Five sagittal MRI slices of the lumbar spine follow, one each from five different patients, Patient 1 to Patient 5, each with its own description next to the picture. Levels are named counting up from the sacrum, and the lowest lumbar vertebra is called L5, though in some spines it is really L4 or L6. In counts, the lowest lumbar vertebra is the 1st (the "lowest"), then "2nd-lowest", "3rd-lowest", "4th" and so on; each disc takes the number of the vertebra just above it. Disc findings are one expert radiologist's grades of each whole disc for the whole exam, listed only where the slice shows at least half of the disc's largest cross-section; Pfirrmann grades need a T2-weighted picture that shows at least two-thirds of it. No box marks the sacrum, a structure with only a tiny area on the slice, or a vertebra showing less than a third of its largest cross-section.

Patient 1 of 5:
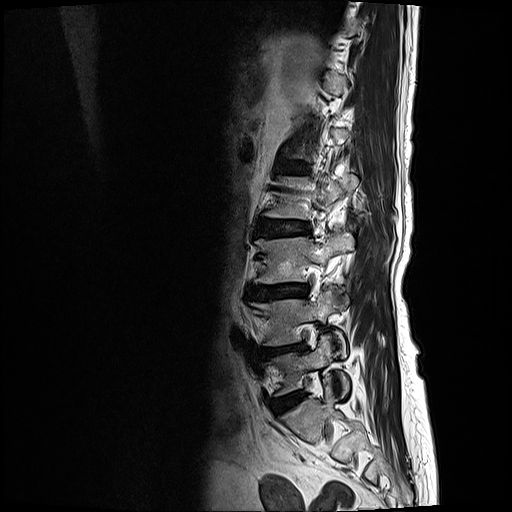

Sagittal T2-weighted lumbar spine MRI
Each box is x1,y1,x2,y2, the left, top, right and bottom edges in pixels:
{"2nd-lowest vertebra": "247,285,346,357", "4th disc": "259,218,309,234", "5th disc": "280,160,309,173", "3rd-lowest vertebra": "255,230,354,282", "lowest disc": "273,391,305,415", "2nd-lowest disc": "258,343,307,358", "4th vertebra": "263,175,358,219", "3rd-lowest disc": "247,283,308,299", "lowest vertebra": "264,334,350,396"}

Radiological gradings:
- 3rd-lowest disc: Pfirrmann grade 4, upper-endplate change, lower-endplate change, disc bulging, Modic type II, disc narrowing
- 4th disc: Pfirrmann grade 3, upper-endplate change, disc bulging, Modic type II, lower-endplate change

Patient 2 of 5:
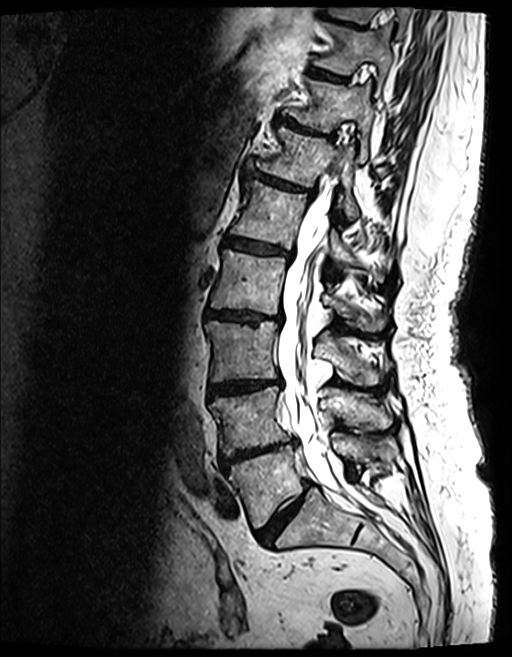 512x657 px, T2 SPACE (3D) sagittal MRI of the lumbar spine, Slice 78/154
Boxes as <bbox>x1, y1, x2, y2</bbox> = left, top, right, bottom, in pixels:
Annotations:
- T10 vertebra = <bbox>316, 25, 394, 76</bbox>
- L3/L4 = <bbox>209, 378, 280, 396</bbox>
- T10/T11 = <bbox>311, 67, 346, 83</bbox>
- L3 vertebra = <bbox>205, 321, 381, 384</bbox>
- L5 vertebra = <bbox>228, 437, 395, 528</bbox>
- thecal sac / spinal canal = <bbox>278, 178, 361, 503</bbox>
- L1/L2 = <bbox>225, 237, 291, 256</bbox>
- T11 vertebra = <bbox>287, 81, 375, 154</bbox>
- IVD T11/T12 = <bbox>277, 114, 333, 139</bbox>
- L1 = <bbox>230, 181, 354, 267</bbox>
- L4 = <bbox>210, 387, 388, 455</bbox>
- T12 vertebra = <bbox>256, 127, 358, 221</bbox>
- T12/L1 = <bbox>248, 170, 314, 197</bbox>
- IVD L5/S1 = <bbox>256, 484, 311, 544</bbox>
- T9 = <bbox>331, 6, 410, 30</bbox>
- T9/T10 = <bbox>335, 17, 359, 27</bbox>
- L2 = <bbox>212, 250, 350, 316</bbox>
- L4/L5 = <bbox>221, 440, 297, 470</bbox>
- L2/L3 = <bbox>205, 309, 281, 323</bbox>

Per-level radiological findings:
• T12/L1: Pfirrmann grade 4, disc narrowing, upper-endplate change, disc bulging, lower-endplate change, Modic type II
• T10/T11: upper-endplate change, Modic type II, lower-endplate change
• L5/S1: Pfirrmann grade 4, disc narrowing, disc bulging
• L1/L2: Pfirrmann grade 4, Modic type II, disc bulging, disc narrowing, upper-endplate change, lower-endplate change
• L3/L4: Pfirrmann grade 4, Modic type II, disc narrowing, lower-endplate change, upper-endplate change, disc bulging
• L4/L5: Pfirrmann grade 5, Modic type II, lower-endplate change, upper-endplate change, disc bulging, disc narrowing
• L2/L3: Pfirrmann grade 4, Modic type II, disc narrowing, lower-endplate change, disc bulging, upper-endplate change
• T11/T12: Pfirrmann grade 5, lower-endplate change, disc narrowing, Modic type II, disc bulging, upper-endplate change

Patient 3 of 5:
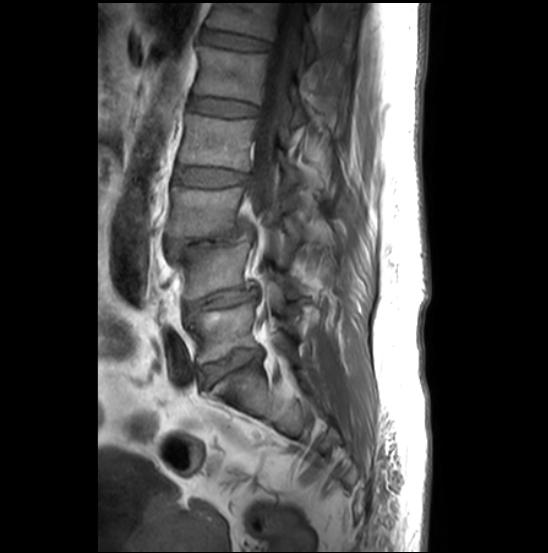 Sagittal slice index 16, MRI lumbar spine (T1-weighted), sagittal plane
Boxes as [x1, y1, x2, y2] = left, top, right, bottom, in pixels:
- intervertebral disc T12/L1: [202, 30, 271, 49]
- L1/L2: [190, 97, 257, 116]
- L2: [179, 114, 325, 196]
- thecal sac / spinal canal: [247, 3, 301, 322]
- L2/L3: [176, 167, 246, 187]
- L1 vertebra: [195, 46, 309, 125]
- L3: [168, 185, 311, 242]
- L4 vertebra: [171, 242, 304, 300]
- L5/S1: [202, 350, 262, 386]
- intervertebral disc L4/L5: [186, 288, 259, 310]
- L5: [189, 302, 298, 363]
- T12: [207, 3, 317, 65]
- L3/L4: [166, 228, 252, 253]

Per-level radiological findings:
  L5/S1: disc bulging, disc narrowing, Modic type II, lower-endplate change, upper-endplate change
  L4/L5: upper-endplate change, disc bulging, lower-endplate change, Modic type II, disc narrowing
  L3/L4: spondylolisthesis, disc narrowing, disc herniation, Modic type II, upper-endplate change, lower-endplate change
  L2/L3, L1/L2, T12/L1: no herniation, bulging, narrowing, spondylolisthesis, endplate or Modic change recorded

Patient 4 of 5:
T2 SPACE (3D) sagittal MRI of the lumbar spine; Scanner: SIEMENS Avanto_fit (1.5T); Image 526x661 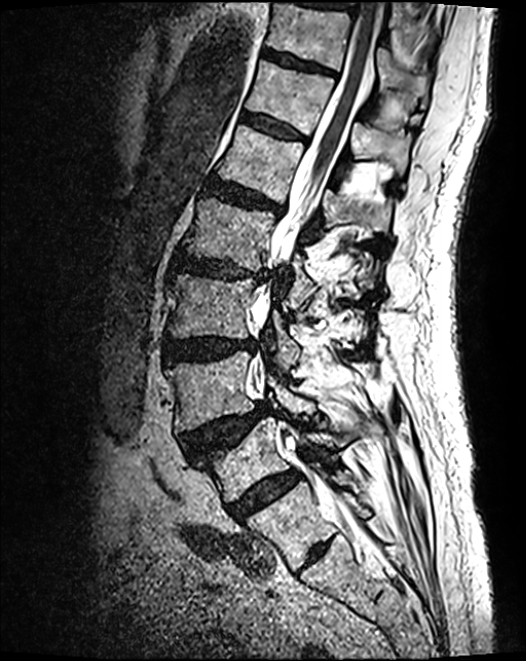
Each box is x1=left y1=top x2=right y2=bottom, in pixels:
* 7th vertebra at x1=266 y1=3 x2=427 y2=101
* 3rd-lowest vertebra at x1=166 y1=275 x2=370 y2=376
* 6th disc at x1=243 y1=113 x2=305 y2=141
* lowest disc at x1=227 y1=472 x2=298 y2=521
* 4th vertebra at x1=182 y1=197 x2=383 y2=309
* thecal sac / spinal canal at x1=252 y1=0 x2=381 y2=529
* 4th disc at x1=171 y1=253 x2=268 y2=283
* 6th vertebra at x1=247 y1=61 x2=409 y2=176
* 2nd-lowest vertebra at x1=168 y1=354 x2=313 y2=431
* 7th disc at x1=263 y1=49 x2=335 y2=75
* 5th vertebra at x1=217 y1=124 x2=394 y2=237
* 2nd-lowest disc at x1=182 y1=404 x2=270 y2=458
* 5th disc at x1=206 y1=179 x2=282 y2=213
* 3rd-lowest disc at x1=163 y1=339 x2=256 y2=365
* lowest vertebra at x1=201 y1=417 x2=344 y2=501

Radiological gradings:
• 3rd-lowest disc: Pfirrmann grade 4, disc bulging
• 5th disc: Pfirrmann grade 4, upper-endplate change, lower-endplate change, disc bulging
• 2nd-lowest disc: Pfirrmann grade 4, disc herniation, upper-endplate change, spondylolisthesis
• 6th disc: Pfirrmann grade 3
• 4th disc: Pfirrmann grade 4, disc bulging, lower-endplate change, disc narrowing, upper-endplate change
• lowest disc: Pfirrmann grade 4
• 7th disc: Pfirrmann grade 3, lower-endplate change

Patient 5 of 5:
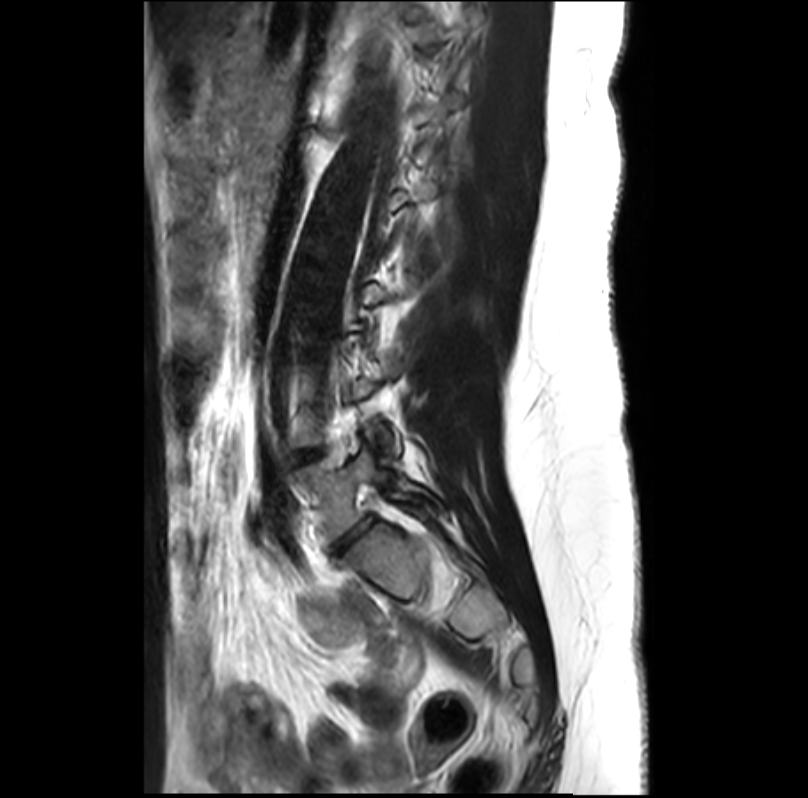 Slice 11/33 | Sagittal T2-weighted lumbar spine MRI
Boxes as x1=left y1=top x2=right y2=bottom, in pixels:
Lowest disc — x1=336 y1=522 x2=367 y2=549.
Lowest vertebra — x1=290 y1=449 x2=445 y2=539.